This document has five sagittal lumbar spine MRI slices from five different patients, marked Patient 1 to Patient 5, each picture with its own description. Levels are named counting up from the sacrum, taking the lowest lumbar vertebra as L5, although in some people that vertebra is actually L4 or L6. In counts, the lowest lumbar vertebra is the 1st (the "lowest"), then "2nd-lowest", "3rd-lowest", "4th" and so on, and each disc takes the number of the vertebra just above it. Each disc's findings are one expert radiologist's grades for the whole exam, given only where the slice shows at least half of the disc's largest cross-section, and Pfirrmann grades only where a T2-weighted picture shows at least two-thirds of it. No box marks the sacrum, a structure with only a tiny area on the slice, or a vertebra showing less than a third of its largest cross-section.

Patient 1 of 5:
Sagittal slice index 14; Scanner: Philips Healthcare Ingenia (3T); Sex F; T2-weighted sagittal MRI of the lumbar spine

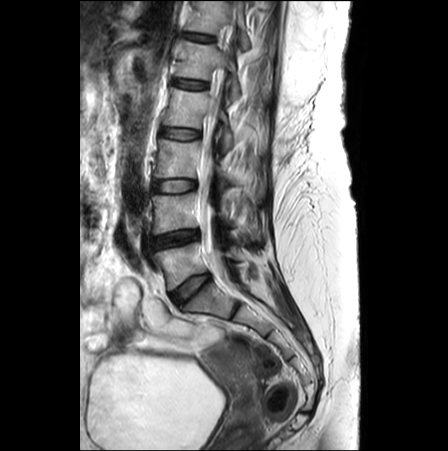 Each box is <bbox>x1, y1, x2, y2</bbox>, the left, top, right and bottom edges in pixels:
L5 at <bbox>153, 242, 239, 290</bbox>, T12 at <bbox>186, 1, 250, 50</bbox>, L2/L3 at <bbox>161, 128, 201, 139</bbox>, spinal canal at <bbox>198, 43, 230, 283</bbox>, L1 vertebra at <bbox>176, 39, 239, 100</bbox>, L2 vertebra at <bbox>163, 88, 234, 151</bbox>, intervertebral disc L4/L5 at <bbox>151, 229, 199, 248</bbox>, L3 vertebra at <bbox>154, 139, 264, 197</bbox>, intervertebral disc L3/L4 at <bbox>152, 180, 195, 192</bbox>, L4 vertebra at <bbox>152, 193, 260, 238</bbox>, intervertebral disc T12/L1 at <bbox>185, 33, 214, 42</bbox>, L1/L2 at <bbox>173, 79, 207, 89</bbox>, L5/S1 at <bbox>171, 273, 210, 304</bbox>.

Per-level radiological findings:
- L3/L4: Pfirrmann grade 1
- L2/L3: Pfirrmann grade 1
- L5/S1: Pfirrmann grade 3
- L4/L5: Pfirrmann grade 4, disc narrowing
- L1/L2: Pfirrmann grade 1, upper-endplate change, lower-endplate change, Modic type II
- T12/L1: no spondylolisthesis, narrowing, bulging, herniation, Modic or endplate change recorded

Patient 2 of 5:
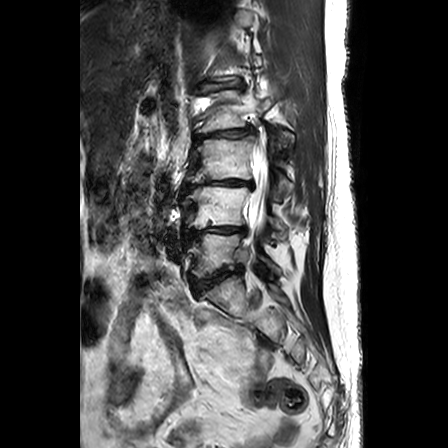

Lumbar spine MR, T2-weighted, sagittal

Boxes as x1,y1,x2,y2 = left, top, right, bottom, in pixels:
Segmented structures:
* L4 vertebra at 183,186,284,238
* L5 at 188,232,280,276
* L3/L4 at 183,179,254,190
* L4/L5 at 185,227,247,243
* L2 vertebra at 198,90,294,152
* L2/L3 at 194,126,254,141
* spinal canal at 250,149,268,232
* L3 vertebra at 193,135,292,201
* disc L1/L2 at 195,78,245,93
* L5/S1 at 192,267,242,292

Expert MSK radiologist gradings (per disc):
- L1/L2: Pfirrmann grade 2, disc bulging
- L4/L5: Pfirrmann grade 5, disc narrowing, upper-endplate change, Modic type II, lower-endplate change, disc bulging
- L2/L3: Pfirrmann grade 3, lower-endplate change, disc narrowing, disc bulging, upper-endplate change
- L5/S1: upper-endplate change, disc bulging, lower-endplate change, disc narrowing
- L3/L4: upper-endplate change, disc narrowing, lower-endplate change, disc bulging, Modic type II

Patient 3 of 5:
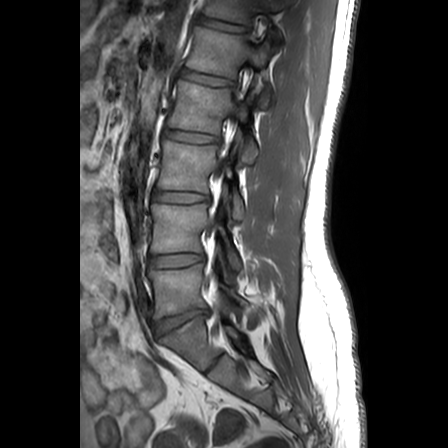
Sagittal T1-weighted lumbar spine MRI; Slice 16/24

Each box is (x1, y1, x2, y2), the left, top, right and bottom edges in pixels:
{"L3 vertebra": "(158, 140, 243, 219)", "L1/L2": "(181, 70, 232, 85)", "L5": "(149, 264, 236, 319)", "IVD L4/L5": "(149, 254, 204, 266)", "L1 vertebra": "(186, 27, 269, 107)", "T12/L1": "(197, 17, 249, 31)", "IVD L2/L3": "(164, 129, 219, 142)", "L3/L4": "(152, 191, 209, 202)", "L2 vertebra": "(167, 80, 257, 163)", "L4 vertebra": "(151, 204, 240, 269)", "T12": "(204, 0, 278, 24)", "L5/S1": "(155, 310, 207, 335)", "thecal sac / spinal canal": "(210, 95, 239, 230)"}

Per-level radiological findings:
  L5/S1: upper-endplate change, Modic type II, disc herniation, lower-endplate change
  L3/L4, L4/L5, L1/L2, T12/L1, L2/L3: no herniation, bulging, narrowing, spondylolisthesis, endplate or Modic change recorded

Patient 4 of 5:
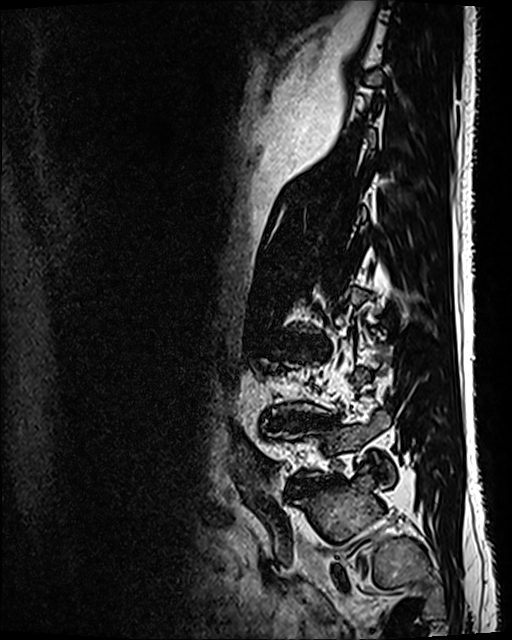 Field of view 240x300 mm. T2 SPACE (3D) sagittal MRI of the lumbar spine.

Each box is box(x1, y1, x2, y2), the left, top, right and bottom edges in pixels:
IVD L5/S1 (lowest disc) at box(311, 475, 342, 487); IVD L4/L5 (2nd-lowest disc) at box(278, 415, 323, 422); IVD L3/L4 (3rd-lowest disc) at box(284, 336, 325, 351).

Patient 5 of 5:
Sagittal T2-weighted lumbar spine MRI; Sex M

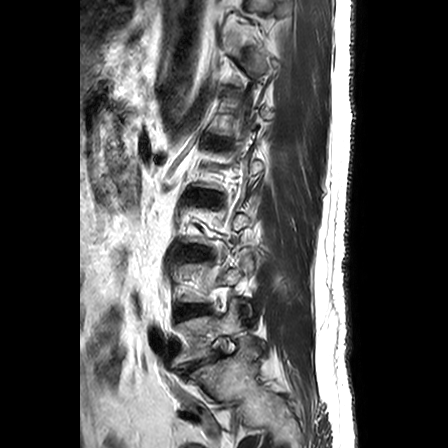

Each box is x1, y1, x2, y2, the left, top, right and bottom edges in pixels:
Lowest vertebra at 172, 299, 268, 367; 2nd-lowest disc at 176, 306, 207, 318; lowest disc at 179, 353, 220, 373.